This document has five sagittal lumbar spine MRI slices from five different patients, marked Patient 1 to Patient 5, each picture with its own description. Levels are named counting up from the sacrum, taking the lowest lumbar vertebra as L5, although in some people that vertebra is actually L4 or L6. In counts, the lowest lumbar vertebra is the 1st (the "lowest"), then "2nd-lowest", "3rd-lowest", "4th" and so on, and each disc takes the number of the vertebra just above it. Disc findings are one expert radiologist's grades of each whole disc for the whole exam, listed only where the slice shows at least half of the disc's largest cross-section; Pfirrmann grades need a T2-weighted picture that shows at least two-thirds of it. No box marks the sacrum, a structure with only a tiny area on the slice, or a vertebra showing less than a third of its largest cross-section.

Patient 1 of 5:
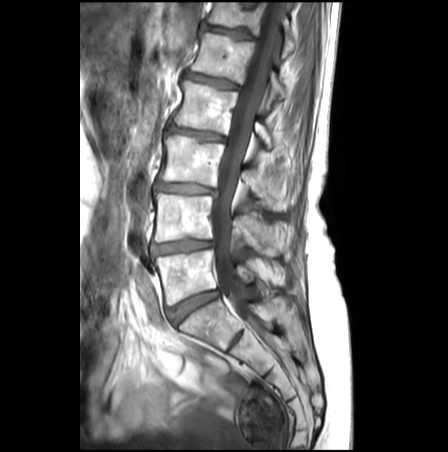

Slice 14/27. MRI lumbar spine (T1-weighted), sagittal plane.
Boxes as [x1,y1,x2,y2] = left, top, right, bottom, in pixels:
5th vertebra at [190,33,285,110], 5th disc at [184,73,237,89], 4th vertebra at [172,80,271,148], 2nd-lowest disc at [152,240,212,254], lowest vertebra at [153,249,253,305], 3rd-lowest vertebra at [159,133,285,212], 4th disc at [167,125,223,141], lowest disc at [167,289,218,324], 2nd-lowest vertebra at [154,192,280,254], 3rd-lowest disc at [155,182,213,193], spinal canal at [211,2,284,324], 6th vertebra at [207,2,295,57], 6th disc at [202,25,251,38].

Radiological gradings:
  4th disc: upper-endplate change, disc bulging, lower-endplate change, disc narrowing, Modic type II
  5th disc: lower-endplate change, upper-endplate change, disc bulging
  6th disc: upper-endplate change, lower-endplate change
  3rd-lowest disc: Modic type II, disc bulging, upper-endplate change, lower-endplate change, disc narrowing
  2nd-lowest disc: upper-endplate change, disc bulging, Modic type II, lower-endplate change, disc narrowing
  lowest disc: no Modic or endplate change, herniation, narrowing, bulging or spondylolisthesis recorded

Patient 2 of 5:
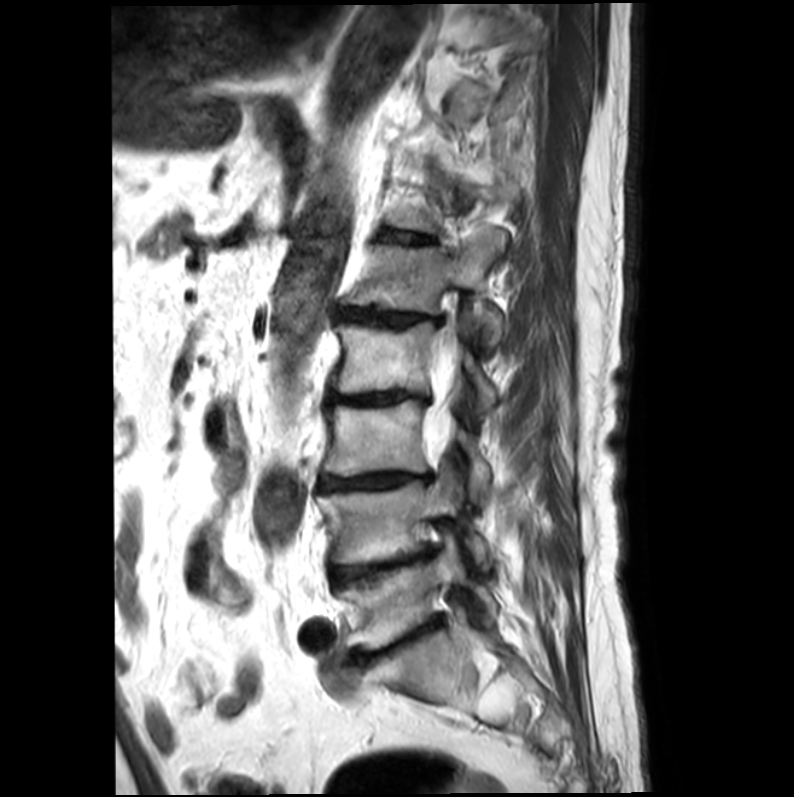 Slice spacing 4.4 mm. MRI lumbar spine (T2-weighted), sagittal plane. 794x797 px. Sex M.

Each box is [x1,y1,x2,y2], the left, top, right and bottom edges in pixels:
Annotations:
* L4 vertebra: [317,480,488,566]
* L3: [323,399,489,499]
* IVD L4/L5: [332,550,432,586]
* L3/L4: [319,472,429,490]
* L1: [342,230,505,346]
* L5: [337,548,495,649]
* L2 vertebra: [329,309,499,408]
* L2/L3: [326,390,429,405]
* L5/S1: [352,622,435,663]
* IVD T12/L1: [380,232,431,243]
* thecal sac / spinal canal: [422,322,461,463]
* L1/L2: [337,309,442,327]

Per-level radiological findings:
• L2/L3: Pfirrmann grade 5, upper-endplate change, lower-endplate change, Modic type II, disc narrowing, disc bulging
• L1/L2: Pfirrmann grade 4, upper-endplate change, lower-endplate change, Modic type II, disc bulging, disc narrowing
• L3/L4: Pfirrmann grade 5, Modic type II, lower-endplate change, upper-endplate change, disc narrowing, disc bulging
• L5/S1: lower-endplate change, disc narrowing, disc bulging, Modic type II, upper-endplate change

Patient 3 of 5:
T2 SPACE (3D) sagittal MRI of the lumbar spine; 595x761 px; Sagittal slice index 95

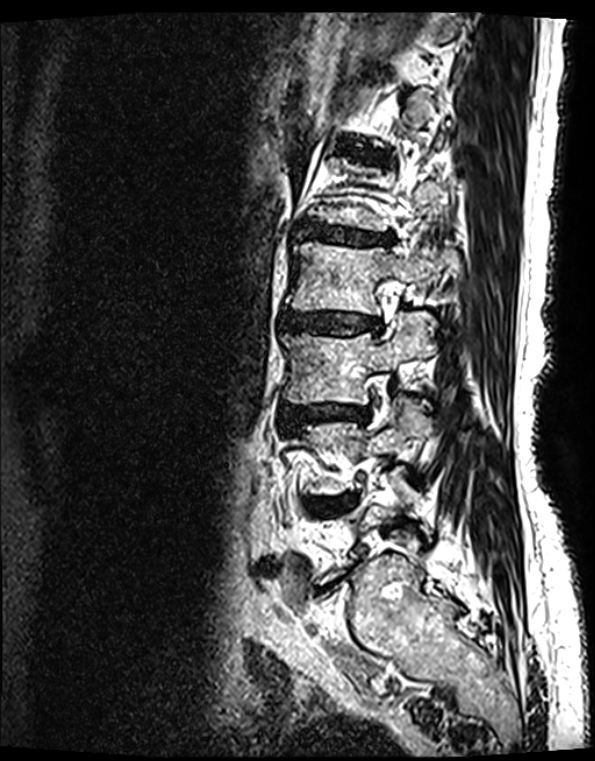 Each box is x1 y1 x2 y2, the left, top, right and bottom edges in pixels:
3rd-lowest disc: 283 404 370 432
2nd-lowest disc: 310 494 355 514
3rd-lowest vertebra: 281 311 435 404
4th vertebra: 286 243 458 315
2nd-lowest vertebra: 303 396 429 494
4th disc: 281 313 378 335
5th disc: 299 227 388 244

Degenerative findings by level:
  5th disc: Pfirrmann grade 4, upper-endplate change, Modic type II, disc narrowing, lower-endplate change, disc bulging
  3rd-lowest disc: Pfirrmann grade 4, Modic type II, disc narrowing, lower-endplate change, upper-endplate change, disc bulging
  4th disc: Pfirrmann grade 4, disc bulging, lower-endplate change, upper-endplate change, Modic type II, disc narrowing

Patient 4 of 5:
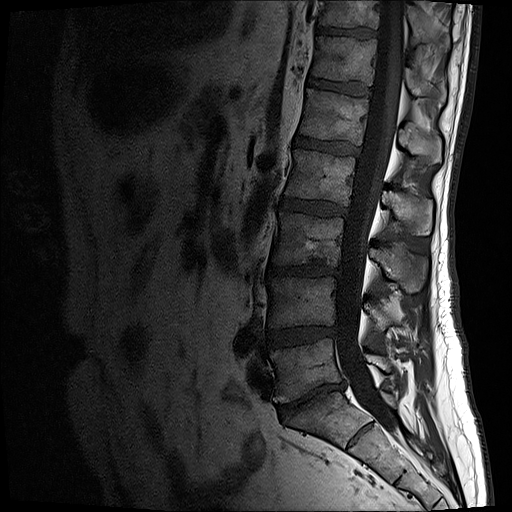 Field of view 300x300 mm, slice spacing 3.3 mm; Sagittal slice index 9; 512x512 px; T1-weighted sagittal MRI of the lumbar spine
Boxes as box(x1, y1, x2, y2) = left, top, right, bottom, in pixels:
4th vertebra = box(285, 150, 432, 235) | lowest disc = box(278, 381, 345, 417) | 5th disc = box(294, 135, 357, 155) | 7th vertebra = box(318, 0, 430, 46) | 3rd-lowest disc = box(269, 264, 340, 277) | 6th disc = box(308, 77, 370, 95) | 4th disc = box(281, 198, 345, 216) | 2nd-lowest disc = box(268, 326, 335, 345) | 7th disc = box(315, 26, 377, 40) | 5th vertebra = box(300, 89, 441, 165) | lowest vertebra = box(270, 338, 391, 402) | 6th vertebra = box(311, 37, 445, 105) | 3rd-lowest vertebra = box(272, 211, 429, 293) | thecal sac / spinal canal = box(336, 1, 404, 430) | 2nd-lowest vertebra = box(269, 277, 392, 330)

Degenerative findings by level:
- lowest disc: Modic type II, disc bulging, disc narrowing
- 2nd-lowest disc: disc bulging, disc narrowing
- 4th disc: disc bulging
- 3rd-lowest disc: disc narrowing, lower-endplate change, disc bulging
- 7th disc, 6th disc, 5th disc: no spondylolisthesis, narrowing, bulging, herniation, Modic or endplate change recorded

Patient 5 of 5:
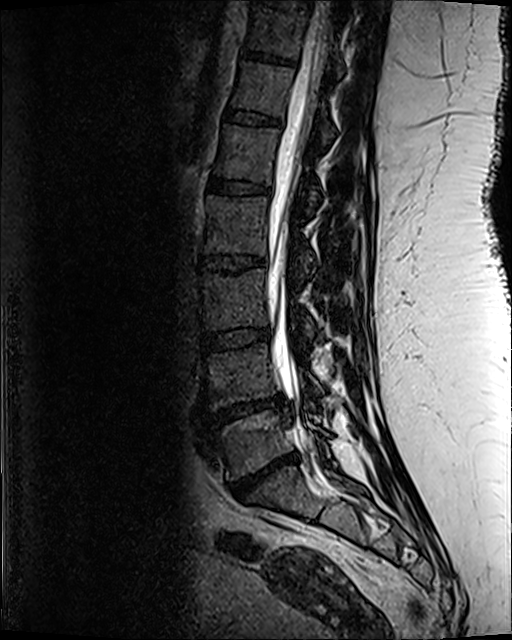

Image 512x640, T2 SPACE (3D) sagittal MRI of the lumbar spine, Sex F
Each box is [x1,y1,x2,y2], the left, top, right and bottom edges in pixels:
Structures:
* disc L2/L3 (4th disc) at [200,256,265,271]
* L2 (4th vertebra) at [205,197,313,278]
* L3/L4 (3rd-lowest disc) at [204,329,269,350]
* disc L1/L2 (5th disc) at [209,180,270,194]
* spinal canal at [265,1,329,449]
* T11/T12 (7th disc) at [243,51,281,62]
* L5 (lowest vertebra) at [213,410,329,478]
* L1 (5th vertebra) at [214,125,318,213]
* disc T10/T11 (8th disc) at [260,0,312,8]
* L4 (2nd-lowest vertebra) at [207,344,322,407]
* T12 (6th vertebra) at [232,63,333,143]
* L4/L5 (2nd-lowest disc) at [209,399,285,424]
* T12/L1 (6th disc) at [226,111,281,126]
* L3 (3rd-lowest vertebra) at [203,270,315,341]
* disc L5/S1 (lowest disc) at [232,452,297,498]
* T11 (7th vertebra) at [249,8,342,77]

Expert MSK radiologist gradings (per disc):
• L2/L3 (4th disc): Pfirrmann grade 3, lower-endplate change, upper-endplate change
• L5/S1 (lowest disc): Pfirrmann grade 5, disc narrowing, upper-endplate change, Modic type II, disc herniation, lower-endplate change
• L1/L2 (5th disc): Pfirrmann grade 3, lower-endplate change
• L3/L4 (3rd-lowest disc): Pfirrmann grade 3
• T12/L1 (6th disc): Pfirrmann grade 3
• L4/L5 (2nd-lowest disc): Pfirrmann grade 5, disc narrowing, upper-endplate change, disc herniation, lower-endplate change, Modic type II